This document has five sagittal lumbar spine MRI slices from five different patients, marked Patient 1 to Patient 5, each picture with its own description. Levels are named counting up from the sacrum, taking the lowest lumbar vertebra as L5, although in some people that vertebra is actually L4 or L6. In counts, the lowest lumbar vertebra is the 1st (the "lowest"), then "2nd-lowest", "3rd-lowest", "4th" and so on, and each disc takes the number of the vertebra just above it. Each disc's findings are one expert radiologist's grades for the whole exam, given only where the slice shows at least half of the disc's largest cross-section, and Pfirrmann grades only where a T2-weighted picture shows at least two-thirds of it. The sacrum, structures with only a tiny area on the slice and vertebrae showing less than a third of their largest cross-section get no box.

Patient 1 of 5:
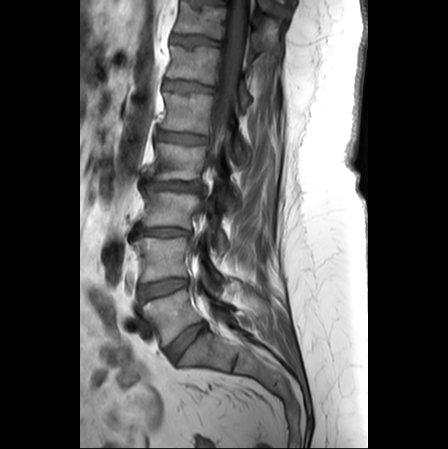 MRI lumbar spine (T1-weighted), sagittal plane
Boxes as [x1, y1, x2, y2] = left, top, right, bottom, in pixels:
Annotations:
* L3/L4 at [134, 227, 191, 238]
* intervertebral disc T12/L1 at [164, 80, 212, 92]
* T11 vertebra at [175, 2, 255, 59]
* L5/S1 at [166, 322, 206, 362]
* L1 vertebra at [160, 93, 246, 162]
* L3 vertebra at [142, 186, 225, 250]
* T12 at [167, 45, 252, 109]
* spinal canal at [210, 0, 246, 167]
* intervertebral disc T11/T12 at [172, 35, 218, 45]
* L4/L5 at [139, 279, 187, 301]
* L1/L2 at [157, 130, 207, 142]
* L5 at [141, 289, 238, 346]
* intervertebral disc L2/L3 at [141, 178, 203, 192]
* L4 vertebra at [134, 237, 227, 285]
* L2 vertebra at [148, 142, 238, 213]

Expert MSK radiologist gradings (per disc):
- T12/L1: upper-endplate change
- L1/L2: disc bulging
- L5/S1: disc bulging
- L2/L3: Modic type II, upper-endplate change, lower-endplate change, disc herniation, disc narrowing
- T11/T12: upper-endplate change
- L4/L5: Modic type II, upper-endplate change, lower-endplate change, disc bulging
- L3/L4: lower-endplate change, disc narrowing, upper-endplate change, disc bulging

Patient 2 of 5:
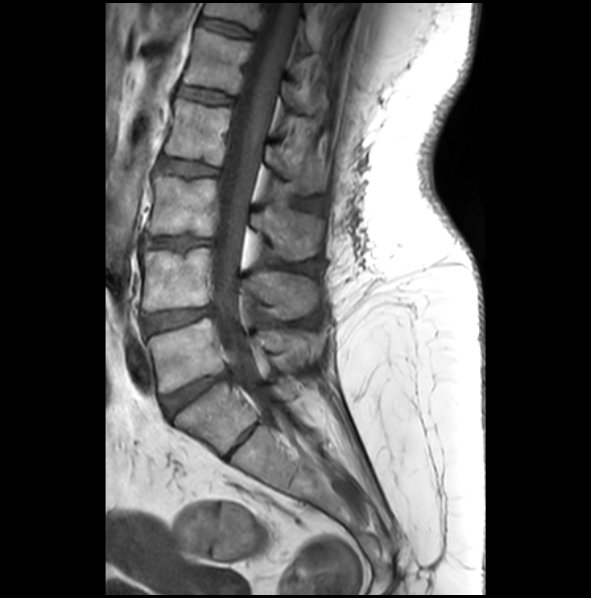 Sex F, Sagittal T1-weighted lumbar spine MRI, Slice spacing 3.3 mm

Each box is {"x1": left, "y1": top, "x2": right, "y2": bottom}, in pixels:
Structures:
* L1 vertebra — {"x1": 183, "y1": 27, "x2": 301, "y2": 112}
* T12 vertebra — {"x1": 203, "y1": 2, "x2": 310, "y2": 52}
* L5 — {"x1": 148, "y1": 318, "x2": 320, "y2": 391}
* L3/L4 — {"x1": 141, "y1": 236, "x2": 211, "y2": 249}
* intervertebral disc T12/L1 — {"x1": 199, "y1": 18, "x2": 250, "y2": 36}
* L2 vertebra — {"x1": 165, "y1": 99, "x2": 328, "y2": 192}
* L4 vertebra — {"x1": 139, "y1": 247, "x2": 318, "y2": 318}
* intervertebral disc L5/S1 — {"x1": 161, "y1": 370, "x2": 231, "y2": 416}
* L3 vertebra — {"x1": 146, "y1": 173, "x2": 321, "y2": 259}
* L4/L5 — {"x1": 141, "y1": 306, "x2": 211, "y2": 334}
* L1/L2 — {"x1": 178, "y1": 85, "x2": 233, "y2": 103}
* thecal sac / spinal canal — {"x1": 211, "y1": 2, "x2": 296, "y2": 422}
* L2/L3 — {"x1": 160, "y1": 157, "x2": 217, "y2": 175}

Degenerative findings by level:
• L4/L5: disc bulging
• L5/S1: disc bulging, upper-endplate change, lower-endplate change
• L3/L4: upper-endplate change, Modic type II, lower-endplate change, disc narrowing, disc bulging
• L1/L2, L2/L3, T12/L1: no spondylolisthesis, narrowing, bulging, herniation, Modic or endplate change recorded

Patient 3 of 5:
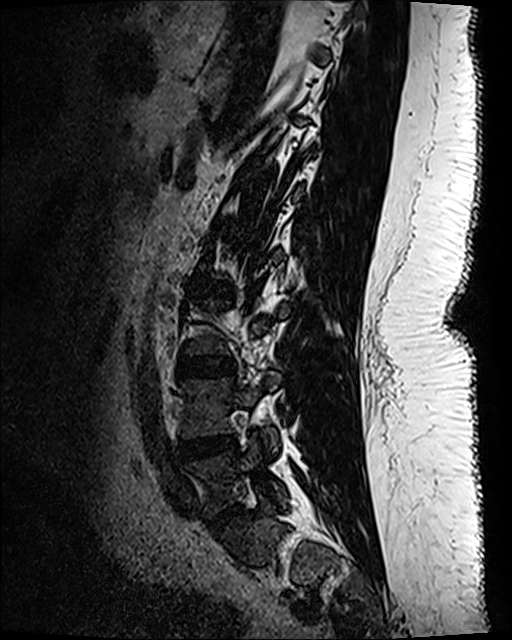 Sagittal slice index 33; T2 SPACE (3D) sagittal MRI of the lumbar spine; Patient sex: F; Field of view 240x300 mm

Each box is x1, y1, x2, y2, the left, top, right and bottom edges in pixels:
IVD L4/L5 at 180, 435, 234, 461.
L5 vertebra at 189, 439, 285, 513.
L3/L4 at 179, 355, 234, 377.
L5/S1 at 208, 503, 239, 527.
L4 at 180, 371, 280, 452.
IVD L2/L3 at 193, 278, 232, 298.

Radiological gradings:
• L4/L5: disc bulging, disc narrowing
• L3/L4: no spondylolisthesis, narrowing, bulging, herniation, Modic or endplate change recorded

Patient 4 of 5:
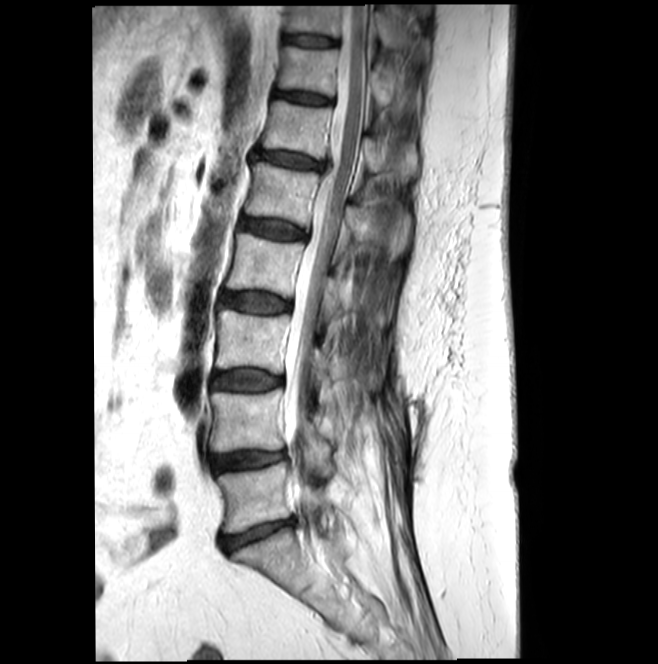 MRI lumbar spine (T2-weighted), sagittal plane. Slice 10 of 20.

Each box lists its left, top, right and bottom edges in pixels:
8th disc — left=283, top=33, right=337, bottom=47 | 4th disc — left=221, top=291, right=290, bottom=313 | 5th vertebra — left=244, top=162, right=409, bottom=255 | 6th disc — left=252, top=150, right=324, bottom=171 | lowest disc — left=221, top=519, right=293, bottom=551 | 8th vertebra — left=286, top=6, right=410, bottom=48 | 3rd-lowest vertebra — left=215, top=308, right=337, bottom=390 | 2nd-lowest disc — left=211, top=452, right=285, bottom=472 | 7th disc — left=274, top=91, right=331, bottom=105 | lowest vertebra — left=218, top=462, right=332, bottom=533 | 2nd-lowest vertebra — left=211, top=388, right=332, bottom=476 | 7th vertebra — left=278, top=45, right=392, bottom=106 | thecal sac / spinal canal — left=284, top=4, right=367, bottom=546 | 4th vertebra — left=225, top=233, right=347, bottom=319 | 6th vertebra — left=261, top=100, right=417, bottom=183 | 5th disc — left=239, top=217, right=305, bottom=238 | 3rd-lowest disc — left=212, top=370, right=281, bottom=390

Expert MSK radiologist gradings (per disc):
- 6th disc: Pfirrmann grade 3, disc bulging
- 5th disc: Pfirrmann grade 3
- 7th disc: Pfirrmann grade 3
- 2nd-lowest disc: Pfirrmann grade 3, disc narrowing
- lowest disc: Pfirrmann grade 3, disc bulging, disc narrowing, Modic type II
- 8th disc: Pfirrmann grade 3
- 3rd-lowest disc: Pfirrmann grade 3, Modic type II
- 4th disc: Pfirrmann grade 3

Patient 5 of 5:
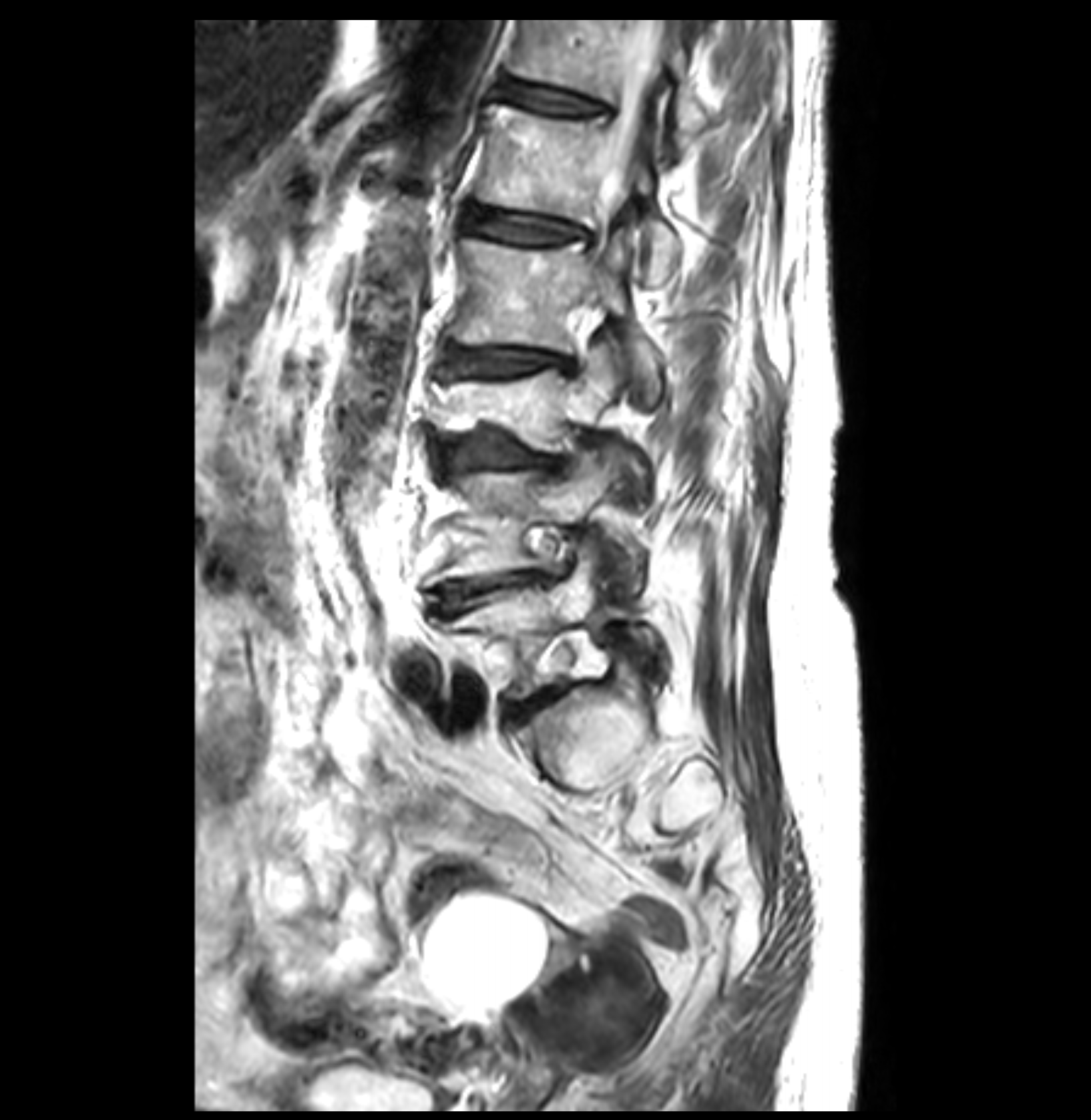
MRI lumbar spine (T2-weighted), sagittal plane

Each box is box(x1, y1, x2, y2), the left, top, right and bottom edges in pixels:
Structures:
• 2nd-lowest disc = box(431, 571, 545, 612)
• 3rd-lowest disc = box(441, 428, 562, 470)
• 5th vertebra = box(477, 104, 681, 285)
• 3rd-lowest vertebra = box(431, 343, 650, 495)
• lowest disc = box(507, 690, 555, 718)
• 2nd-lowest vertebra = box(426, 449, 640, 594)
• lowest vertebra = box(451, 542, 664, 699)
• 6th disc = box(492, 76, 606, 114)
• 4th vertebra = box(453, 233, 660, 403)
• thecal sac / spinal canal = box(602, 20, 664, 203)
• 6th vertebra = box(509, 18, 710, 148)
• 4th disc = box(441, 348, 572, 380)
• 5th disc = box(467, 208, 586, 242)

Degenerative findings by level:
- 4th disc: Pfirrmann grade 3, disc bulging, Modic type II
- 6th disc: Pfirrmann grade 3, upper-endplate change, disc bulging
- 3rd-lowest disc: Pfirrmann grade 3, disc bulging, upper-endplate change, disc narrowing, Modic type II
- 5th disc: Pfirrmann grade 3, lower-endplate change, upper-endplate change